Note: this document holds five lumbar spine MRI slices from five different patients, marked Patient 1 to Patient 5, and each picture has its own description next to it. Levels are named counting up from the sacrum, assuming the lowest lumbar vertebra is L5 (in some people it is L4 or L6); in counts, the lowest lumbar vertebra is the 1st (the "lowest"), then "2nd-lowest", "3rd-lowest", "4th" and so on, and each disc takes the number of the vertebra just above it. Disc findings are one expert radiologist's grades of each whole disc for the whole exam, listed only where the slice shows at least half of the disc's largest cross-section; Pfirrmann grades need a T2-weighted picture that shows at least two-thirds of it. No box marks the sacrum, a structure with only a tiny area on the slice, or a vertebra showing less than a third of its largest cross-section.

Patient 1 of 5:
Field of view 240x300 mm, slice spacing 0.9 mm, Image 512x640, Lumbar spine MR, T2 SPACE (3D), sagittal
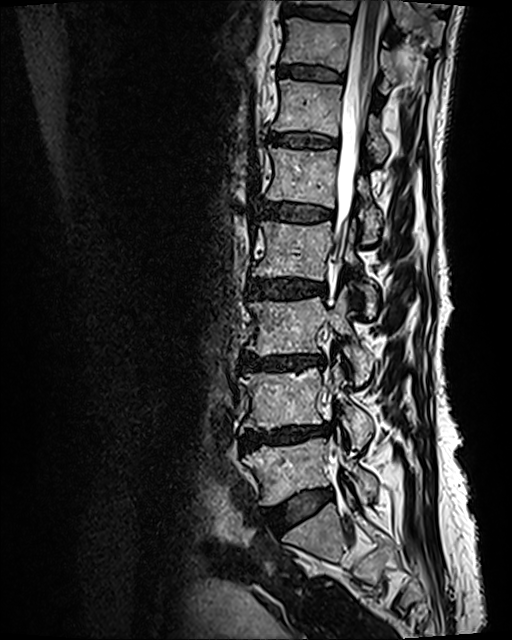
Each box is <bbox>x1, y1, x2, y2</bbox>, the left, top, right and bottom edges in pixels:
4th disc: <bbox>245, 278, 325, 298</bbox>
8th vertebra: <bbox>296, 0, 443, 43</bbox>
thecal sac / spinal canal: <bbox>328, 0, 384, 392</bbox>
3rd-lowest vertebra: <bbox>247, 291, 373, 384</bbox>
7th disc: <bbox>278, 65, 343, 80</bbox>
3rd-lowest disc: <bbox>241, 354, 324, 370</bbox>
lowest vertebra: <bbox>243, 429, 377, 505</bbox>
2nd-lowest disc: <bbox>241, 425, 330, 450</bbox>
lowest disc: <bbox>265, 489, 331, 528</bbox>
7th vertebra: <bbox>281, 18, 427, 92</bbox>
4th vertebra: <bbox>252, 221, 378, 314</bbox>
5th disc: <bbox>261, 202, 332, 221</bbox>
5th vertebra: <bbox>267, 147, 382, 242</bbox>
6th disc: <bbox>270, 134, 336, 148</bbox>
6th vertebra: <bbox>272, 79, 389, 161</bbox>
2nd-lowest vertebra: <bbox>240, 363, 374, 448</bbox>
8th disc: <bbox>288, 7, 351, 20</bbox>

Degenerative findings by level:
• 6th disc: Pfirrmann grade 2, upper-endplate change, Modic type II, lower-endplate change
• 7th disc: Pfirrmann grade 2, lower-endplate change, upper-endplate change, Modic type II
• 4th disc: Pfirrmann grade 3, Modic type II, lower-endplate change, upper-endplate change, disc bulging
• lowest disc: Pfirrmann grade 2, disc bulging
• 3rd-lowest disc: Pfirrmann grade 4, upper-endplate change, lower-endplate change, disc narrowing, Modic type II, disc bulging
• 8th disc: Pfirrmann grade 2, lower-endplate change, upper-endplate change
• 5th disc: Pfirrmann grade 3, upper-endplate change, lower-endplate change, Modic type II
• 2nd-lowest disc: Pfirrmann grade 4, disc bulging, lower-endplate change, disc narrowing, upper-endplate change, Modic type II

Patient 2 of 5:
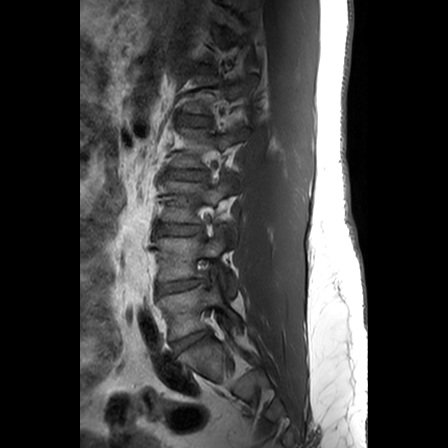

448x448 px; Slice 18 of 24; T1-weighted sagittal MRI of the lumbar spine; Sex M
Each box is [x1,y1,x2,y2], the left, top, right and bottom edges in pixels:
L5 vertebra: [158,281,240,339].
L3: [160,175,238,230].
Disc L1/L2: [177,115,209,125].
Disc L3/L4: [155,223,201,234].
L5/S1: [172,331,207,352].
L2/L3: [166,170,205,179].
L2: [172,126,248,167].
L4 vertebra: [154,228,237,295].
L4/L5: [156,279,203,295].

Radiological gradings:
- L2/L3: disc bulging
- L5/S1: disc bulging
- L4/L5, L3/L4, L1/L2: no spondylolisthesis, narrowing, bulging, herniation, Modic or endplate change recorded

Patient 3 of 5:
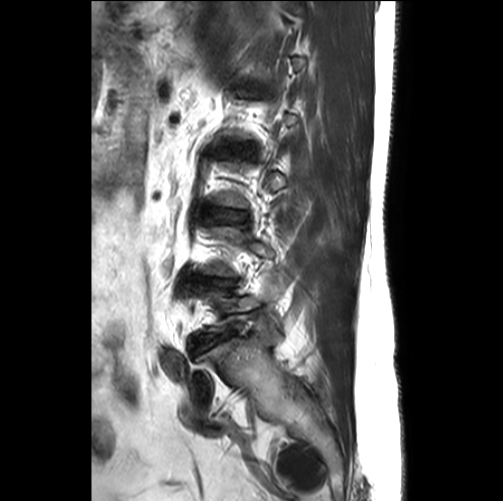 503x501 px. MRI lumbar spine (T2-weighted), sagittal plane.
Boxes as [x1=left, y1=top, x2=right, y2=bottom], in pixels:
{"disc L3/L4": "[x1=205, y1=209, x2=244, y2=223]", "L5 vertebra": "[x1=202, y1=273, x2=282, y2=334]", "L5/S1": "[x1=187, y1=333, x2=230, y2=357]", "L4/L5": "[x1=194, y1=276, x2=234, y2=287]"}

Patient 4 of 5:
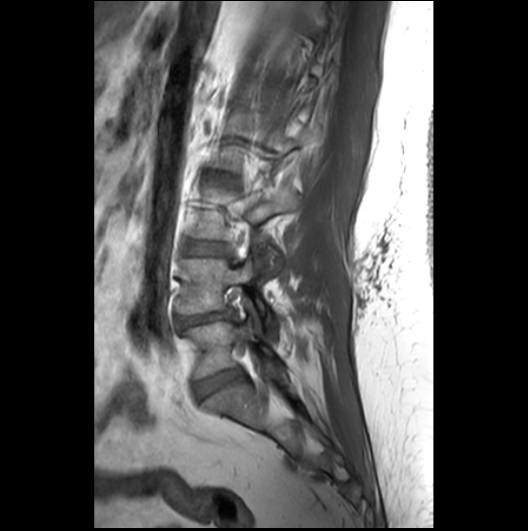 528x531 px | T1-weighted sagittal MRI of the lumbar spine | Slice 9/26
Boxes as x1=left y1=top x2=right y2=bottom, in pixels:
L3 vertebra at x1=192 y1=187 x2=297 y2=275, L4/L5 at x1=177 y1=311 x2=233 y2=327, IVD L5/S1 at x1=194 y1=368 x2=243 y2=399, L3/L4 at x1=186 y1=241 x2=227 y2=254, L5 vertebra at x1=184 y1=316 x2=284 y2=378, L4 vertebra at x1=177 y1=248 x2=276 y2=335.

Per-level radiological findings:
• L4/L5: disc herniation, disc narrowing
• L3/L4, L5/S1: no Modic or endplate change, herniation, narrowing, bulging or spondylolisthesis recorded

Patient 5 of 5:
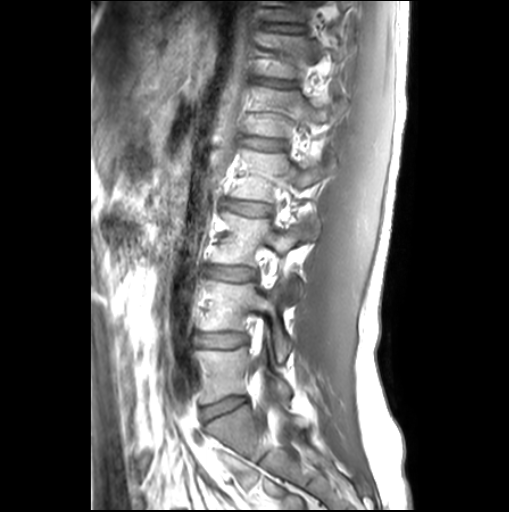

Slice 9/26; T1-weighted sagittal MRI of the lumbar spine

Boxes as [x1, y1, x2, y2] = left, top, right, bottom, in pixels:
L2 vertebra = [231, 149, 326, 202].
T12 vertebra = [259, 33, 322, 78].
L3 vertebra = [211, 212, 314, 302].
IVD L4/L5 = [196, 334, 246, 347].
IVD L5/S1 = [200, 397, 245, 420].
L5 vertebra = [196, 342, 290, 404].
T11/T12 = [264, 23, 301, 32].
L4 vertebra = [200, 277, 290, 362].
IVD L1/L2 = [243, 137, 284, 149].
IVD T12/L1 = [257, 80, 293, 86].
L1 = [248, 86, 330, 137].
IVD L3/L4 = [206, 266, 256, 279].
IVD L2/L3 = [223, 200, 270, 215].

Degenerative findings by level:
  T11/T12: lower-endplate change, upper-endplate change
  L1/L2: Modic type II
  L3/L4, L4/L5, L5/S1, L2/L3: no spondylolisthesis, narrowing, bulging, herniation, Modic or endplate change recorded